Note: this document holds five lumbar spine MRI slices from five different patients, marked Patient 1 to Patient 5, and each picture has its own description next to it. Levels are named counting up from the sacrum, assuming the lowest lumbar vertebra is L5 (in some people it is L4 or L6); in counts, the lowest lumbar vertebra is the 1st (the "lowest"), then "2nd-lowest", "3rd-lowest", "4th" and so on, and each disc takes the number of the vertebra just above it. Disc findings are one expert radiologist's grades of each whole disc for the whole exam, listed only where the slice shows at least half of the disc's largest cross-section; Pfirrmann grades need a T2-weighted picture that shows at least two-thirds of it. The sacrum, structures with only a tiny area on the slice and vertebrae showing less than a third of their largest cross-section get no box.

Patient 1 of 5:
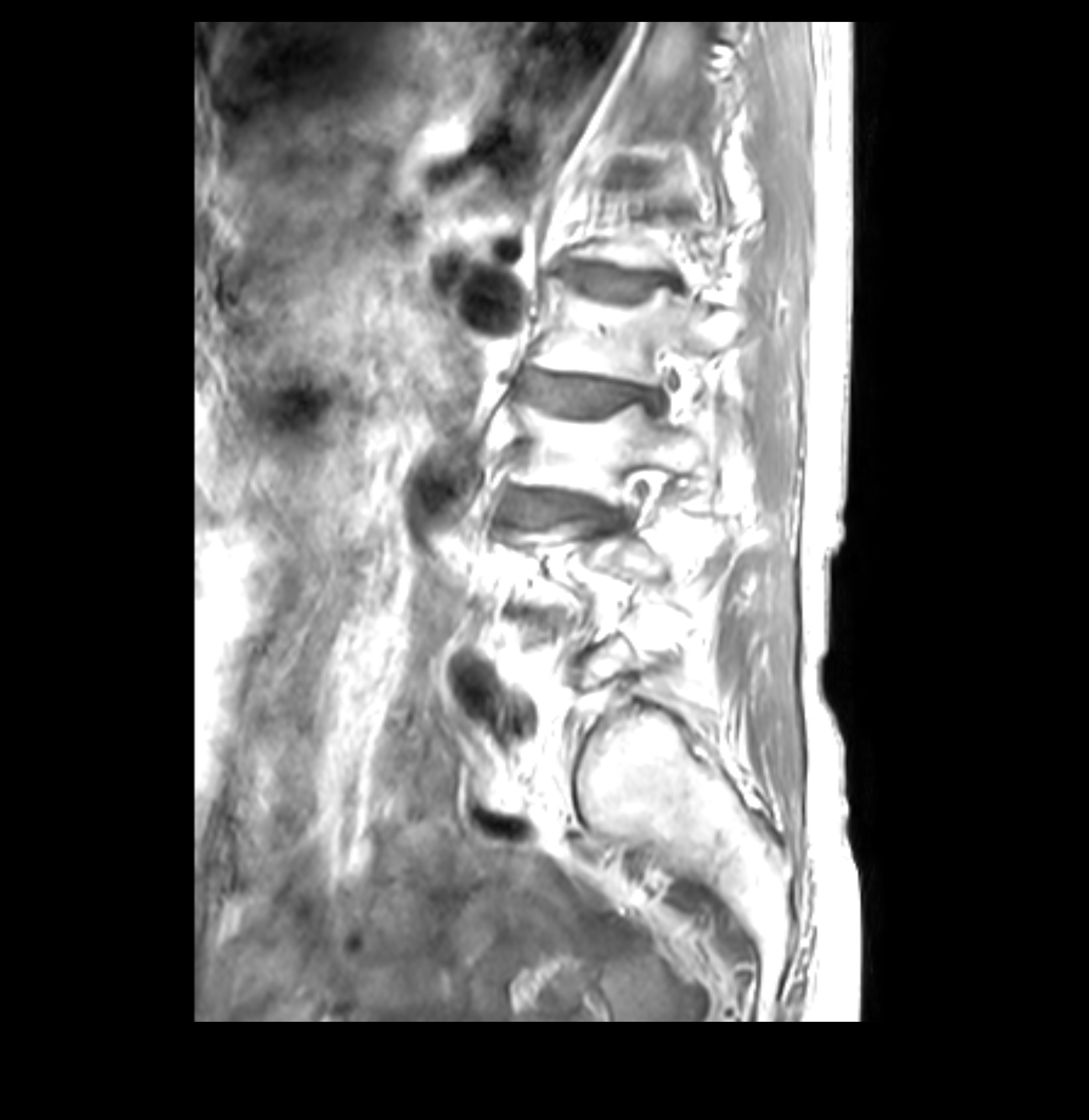

MRI lumbar spine (T1-weighted), sagittal plane, Slice 25 of 36

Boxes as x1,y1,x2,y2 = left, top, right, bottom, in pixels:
Segmented structures:
• L2 vertebra: 532,282,751,384
• IVD L3/L4: 505,492,624,525
• L3 vertebra: 510,402,710,506
• L1/L2: 567,265,678,297
• L2/L3: 520,373,666,412

Per-level radiological findings:
- L2/L3: lower-endplate change, Modic type II, disc narrowing, upper-endplate change, disc bulging
- L3/L4: lower-endplate change, Modic type II, upper-endplate change, disc narrowing, disc bulging

Patient 2 of 5:
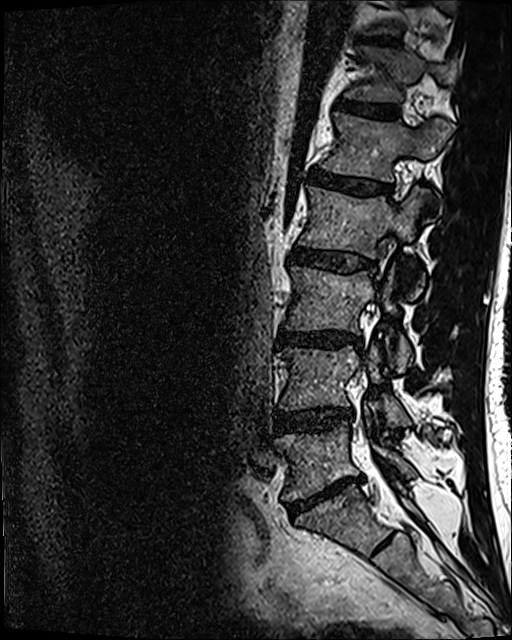 Slice 80 of 120 | Lumbar spine MR, T2 SPACE (3D), sagittal | 512x640 px | Slice spacing 0.9 mm

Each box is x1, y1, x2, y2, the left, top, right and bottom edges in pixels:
IVD L4/L5 at 275, 408, 352, 430; L2/L3 at 290, 247, 373, 271; IVD L3/L4 at 277, 331, 361, 347; L5/S1 at 288, 474, 361, 514; IVD T12/L1 at 338, 99, 398, 118; L1 vertebra at 323, 112, 451, 181; L3 vertebra at 286, 266, 410, 372; L4 at 277, 346, 410, 427; T12 at 345, 47, 456, 101; L5 vertebra at 275, 424, 415, 500; IVD L1/L2 at 309, 170, 392, 194; T11/T12 at 361, 34, 395, 46; L2 at 299, 187, 423, 296.

Degenerative findings by level:
- L1/L2: Pfirrmann grade 4
- L3/L4: Pfirrmann grade 4, lower-endplate change, disc narrowing, disc bulging
- L5/S1: disc narrowing, disc bulging, Modic type II
- L2/L3: Pfirrmann grade 3, disc bulging
- T12/L1: Pfirrmann grade 3
- L4/L5: Pfirrmann grade 3, disc narrowing, disc bulging

Patient 3 of 5:
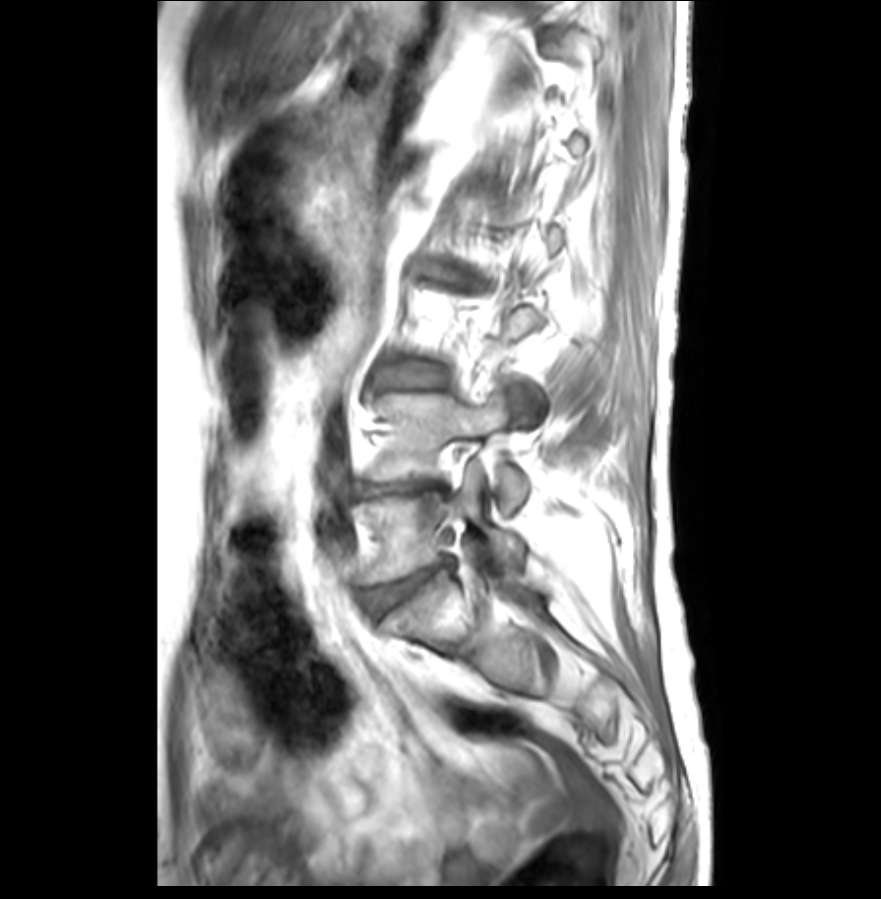

Slice spacing 3.3 mm; Sagittal T1-weighted lumbar spine MRI; Patient sex: F

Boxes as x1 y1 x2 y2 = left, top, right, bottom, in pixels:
{"L5 vertebra": "358 466 526 583", "L3/L4": "387 363 445 386", "L4": "370 387 528 516", "disc L4/L5": "362 482 444 496", "L2/L3": "417 263 481 289", "disc L5/S1": "366 559 451 615"}

Degenerative findings by level:
• L2/L3: Modic type II, disc herniation, disc narrowing, lower-endplate change, upper-endplate change, disc bulging
• L5/S1: lower-endplate change, upper-endplate change, disc narrowing, disc bulging
• L4/L5: Modic type II, disc narrowing, disc bulging

Patient 4 of 5:
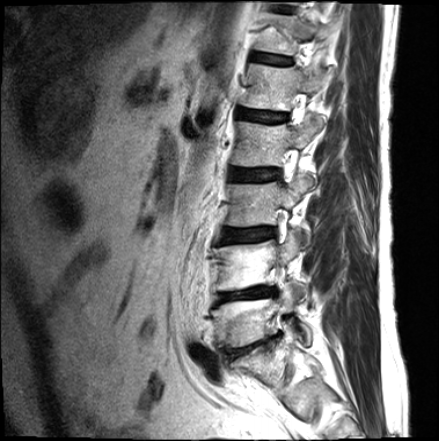 Lumbar spine MR, T2-weighted, sagittal.
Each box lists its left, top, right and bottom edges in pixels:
- T12 vertebra — left=257, top=13, right=330, bottom=54
- intervertebral disc T12/L1 — left=255, top=53, right=291, bottom=63
- L1 — left=242, top=64, right=328, bottom=110
- intervertebral disc L1/L2 — left=239, top=109, right=286, bottom=123
- intervertebral disc L3/L4 — left=219, top=227, right=275, bottom=243
- L5/S1 — left=231, top=335, right=279, bottom=358
- L2 — left=232, top=117, right=323, bottom=166
- L5 — left=212, top=285, right=311, bottom=350
- L4 vertebra — left=213, top=232, right=309, bottom=299
- L2/L3 — left=231, top=168, right=279, bottom=180
- intervertebral disc L4/L5 — left=215, top=286, right=276, bottom=304
- L3 vertebra — left=225, top=177, right=312, bottom=243

Per-level radiological findings:
• T12/L1: lower-endplate change, upper-endplate change
• L4/L5: Pfirrmann grade 5, upper-endplate change, lower-endplate change, disc bulging, disc narrowing, Modic type II
• L1/L2: Pfirrmann grade 3, upper-endplate change, lower-endplate change
• L2/L3: lower-endplate change, upper-endplate change
• L5/S1: lower-endplate change, upper-endplate change, disc narrowing, disc bulging, Modic type II
• L3/L4: Pfirrmann grade 3, lower-endplate change, disc bulging, upper-endplate change

Patient 5 of 5:
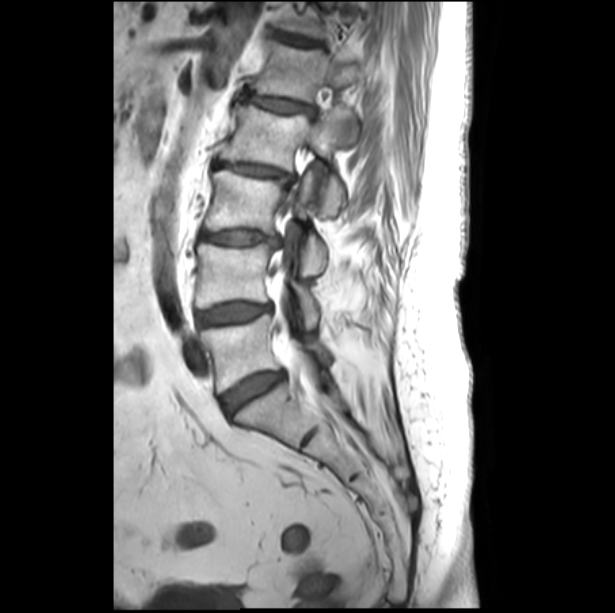 Slice 20/32, MRI lumbar spine (T1-weighted), sagittal plane

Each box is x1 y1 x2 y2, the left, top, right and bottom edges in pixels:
L4 vertebra: 195 242 319 327
L5 vertebra: 200 301 330 393
L1 vertebra: 249 42 373 144
L2 vertebra: 219 104 347 215
T12/L1: 277 33 317 44
L3 vertebra: 204 169 327 275
L1/L2: 247 95 312 113
disc L4/L5: 196 302 271 327
L3/L4: 200 231 281 246
disc L2/L3: 214 160 294 181
L5/S1: 221 371 284 415

Per-level radiological findings:
• L3/L4: Modic type II, lower-endplate change, upper-endplate change, disc narrowing, disc bulging
• L5/S1: disc bulging
• L1/L2: upper-endplate change, lower-endplate change, Modic type II, disc bulging
• L4/L5: disc bulging
• L2/L3: Modic type II, disc bulging, disc narrowing, lower-endplate change, upper-endplate change